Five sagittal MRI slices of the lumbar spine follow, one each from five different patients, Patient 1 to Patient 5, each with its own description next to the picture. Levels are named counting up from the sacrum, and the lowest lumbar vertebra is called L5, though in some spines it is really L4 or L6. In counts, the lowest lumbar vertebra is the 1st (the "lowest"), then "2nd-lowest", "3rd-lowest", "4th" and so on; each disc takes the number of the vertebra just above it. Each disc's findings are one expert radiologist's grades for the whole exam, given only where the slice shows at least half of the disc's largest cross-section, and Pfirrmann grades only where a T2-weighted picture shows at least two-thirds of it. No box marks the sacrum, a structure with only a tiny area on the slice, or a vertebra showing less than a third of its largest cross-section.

Patient 1 of 5:
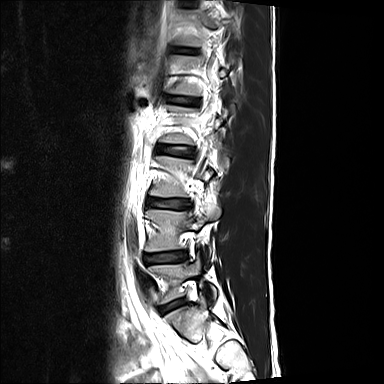 Lumbar spine MR, T2-weighted, sagittal
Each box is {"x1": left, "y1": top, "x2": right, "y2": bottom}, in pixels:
L4/L5 at {"x1": 145, "y1": 252, "x2": 186, "y2": 263}, IVD L3/L4 at {"x1": 148, "y1": 198, "x2": 190, "y2": 209}, L4 at {"x1": 145, "y1": 205, "x2": 220, "y2": 256}, IVD T12/L1 at {"x1": 176, "y1": 47, "x2": 197, "y2": 53}, L3 vertebra at {"x1": 150, "y1": 156, "x2": 212, "y2": 196}, L5 at {"x1": 149, "y1": 256, "x2": 216, "y2": 302}, L1/L2 at {"x1": 171, "y1": 96, "x2": 198, "y2": 104}, IVD L2/L3 at {"x1": 157, "y1": 145, "x2": 194, "y2": 156}, IVD L5/S1 at {"x1": 161, "y1": 299, "x2": 185, "y2": 312}.

Degenerative findings by level:
- L3/L4: disc narrowing, lower-endplate change, upper-endplate change
- L4/L5: lower-endplate change, upper-endplate change, disc bulging
- L2/L3: Pfirrmann grade 2, lower-endplate change

Patient 2 of 5:
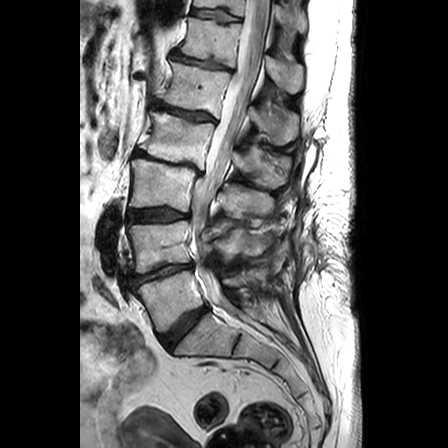

Sagittal T2-weighted lumbar spine MRI. Slice spacing 3.3 mm.
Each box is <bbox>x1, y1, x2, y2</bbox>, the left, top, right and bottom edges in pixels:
Structures:
- 6th vertebra = <bbox>178, 17, 303, 93</bbox>
- 7th disc = <bbox>191, 8, 238, 21</bbox>
- 4th vertebra = <bbox>140, 111, 290, 187</bbox>
- 3rd-lowest vertebra = <bbox>128, 159, 274, 218</bbox>
- 7th vertebra = <bbox>194, 0, 307, 32</bbox>
- 5th disc = <bbox>154, 102, 212, 120</bbox>
- 5th vertebra = <bbox>161, 61, 298, 144</bbox>
- 2nd-lowest vertebra = <bbox>128, 220, 267, 272</bbox>
- thecal sac / spinal canal = <bbox>192, 0, 268, 303</bbox>
- lowest vertebra = <bbox>136, 270, 266, 332</bbox>
- 3rd-lowest disc = <bbox>128, 208, 189, 223</bbox>
- 6th disc = <bbox>171, 53, 225, 68</bbox>
- lowest disc = <bbox>159, 306, 208, 349</bbox>
- 2nd-lowest disc = <bbox>131, 263, 192, 286</bbox>
- 4th disc = <bbox>134, 150, 203, 176</bbox>

Per-level radiological findings:
- 2nd-lowest disc: Pfirrmann grade 4, disc bulging, disc narrowing
- 5th disc: Pfirrmann grade 3, disc narrowing, Modic type II
- 6th disc: Pfirrmann grade 3, disc narrowing
- 3rd-lowest disc: Pfirrmann grade 3, disc bulging
- 7th disc: Pfirrmann grade 1
- lowest disc: Pfirrmann grade 3, disc bulging

Patient 3 of 5:
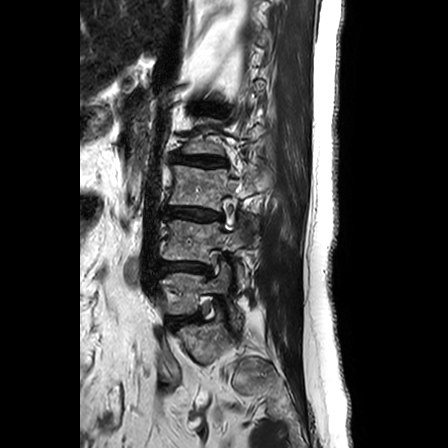

Slice 7/24; Sagittal T2-weighted lumbar spine MRI; Patient sex: F

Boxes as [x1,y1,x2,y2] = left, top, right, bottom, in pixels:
{"intervertebral disc L2/L3": "[171,154,226,166]", "intervertebral disc L1/L2": "[199,106,215,113]", "L5": "[162,262,239,323]", "L3 vertebra": "[169,165,270,210]", "L3/L4": "[166,207,222,221]", "L4 vertebra": "[163,220,247,283]", "intervertebral disc L4/L5": "[160,262,209,272]", "L5/S1": "[169,312,200,328]"}

Degenerative findings by level:
- L4/L5: lower-endplate change, Modic type II, upper-endplate change, disc bulging
- L3/L4: Pfirrmann grade 3, disc bulging, upper-endplate change, Modic type II, disc narrowing, lower-endplate change
- L2/L3: Pfirrmann grade 3, disc bulging, Modic type II, lower-endplate change, upper-endplate change, disc narrowing

Patient 4 of 5:
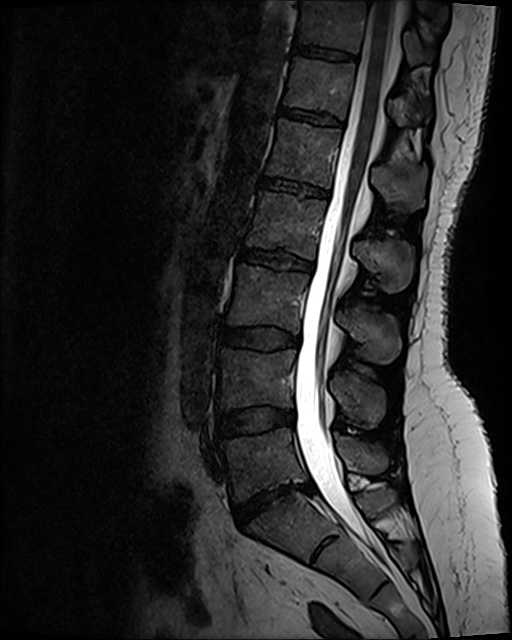 Slice 59 of 120. Image 512x640. T2 SPACE (3D) sagittal MRI of the lumbar spine.

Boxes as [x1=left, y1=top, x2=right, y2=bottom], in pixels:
L1 (5th vertebra): [x1=268, y1=120, x2=426, y2=209]
L5/S1 (lowest disc): [x1=233, y1=485, x2=312, y2=528]
L4/L5 (2nd-lowest disc): [x1=216, y1=408, x2=292, y2=437]
disc L2/L3 (4th disc): [x1=240, y1=249, x2=313, y2=270]
L3/L4 (3rd-lowest disc): [x1=221, y1=328, x2=299, y2=349]
L2 (4th vertebra): [x1=244, y1=193, x2=413, y2=292]
T12/L1 (6th disc): [x1=281, y1=108, x2=342, y2=128]
L4 (2nd-lowest vertebra): [x1=219, y1=350, x2=384, y2=427]
T11 (7th vertebra): [x1=300, y1=2, x2=431, y2=63]
disc L1/L2 (5th disc): [x1=261, y1=179, x2=328, y2=197]
T11/T12 (7th disc): [x1=293, y1=48, x2=354, y2=60]
L3 (3rd-lowest vertebra): [x1=227, y1=266, x2=400, y2=363]
T12 (6th vertebra): [x1=285, y1=58, x2=430, y2=125]
thecal sac / spinal canal: [x1=294, y1=1, x2=394, y2=551]
L5 (lowest vertebra): [x1=222, y1=428, x2=387, y2=499]

Degenerative findings by level:
• L3/L4 (3rd-lowest disc): Pfirrmann grade 2, disc bulging
• L4/L5 (2nd-lowest disc): Pfirrmann grade 2, disc bulging
• T11/T12 (7th disc): Pfirrmann grade 2
• T12/L1 (6th disc): Pfirrmann grade 2, lower-endplate change, upper-endplate change
• L2/L3 (4th disc): Pfirrmann grade 4, upper-endplate change, disc bulging, lower-endplate change
• L1/L2 (5th disc): Pfirrmann grade 2, lower-endplate change, upper-endplate change
• L5/S1 (lowest disc): Pfirrmann grade 1, disc herniation, disc bulging, disc narrowing

Patient 5 of 5:
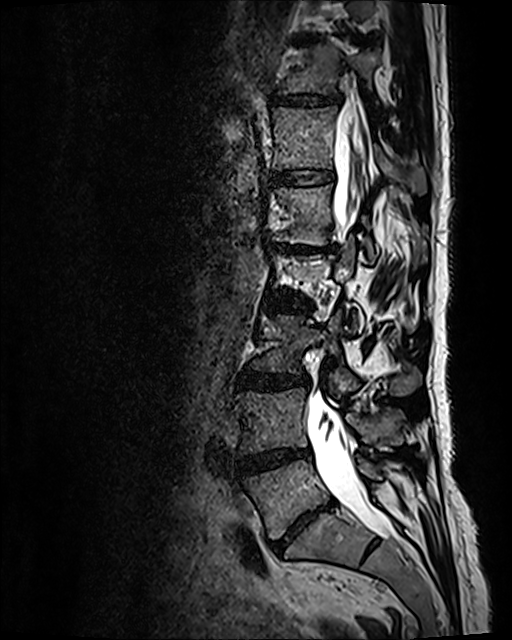 Sagittal T2 SPACE (3D) lumbar spine MRI | Image 512x640

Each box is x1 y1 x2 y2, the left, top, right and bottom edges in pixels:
Annotations:
* L5/S1 — 273 503 330 551
* L4 vertebra — 236 387 403 454
* spinal canal — 307 101 395 539
* IVD L4/L5 — 236 450 309 474
* L5 — 242 459 381 539
* IVD T12/L1 — 270 168 333 187
* T11 — 280 43 381 102
* L3/L4 — 238 371 306 390
* L1 vertebra — 267 185 428 267
* IVD L1/L2 — 268 242 336 253
* T12 — 272 107 426 193
* L2/L3 — 266 296 308 311
* IVD T11/T12 — 269 91 343 109
* L3 — 251 311 421 396

Radiological gradings:
- L4/L5: Pfirrmann grade 4, disc narrowing, disc bulging, Modic type II
- T12/L1: Pfirrmann grade 2
- L1/L2: Pfirrmann grade 5, disc narrowing, Modic type II, upper-endplate change, lower-endplate change, disc bulging
- T11/T12: Pfirrmann grade 3, disc narrowing, disc bulging
- L5/S1: Pfirrmann grade 5, lower-endplate change, disc narrowing, upper-endplate change, Modic type II, disc bulging
- L3/L4: disc bulging